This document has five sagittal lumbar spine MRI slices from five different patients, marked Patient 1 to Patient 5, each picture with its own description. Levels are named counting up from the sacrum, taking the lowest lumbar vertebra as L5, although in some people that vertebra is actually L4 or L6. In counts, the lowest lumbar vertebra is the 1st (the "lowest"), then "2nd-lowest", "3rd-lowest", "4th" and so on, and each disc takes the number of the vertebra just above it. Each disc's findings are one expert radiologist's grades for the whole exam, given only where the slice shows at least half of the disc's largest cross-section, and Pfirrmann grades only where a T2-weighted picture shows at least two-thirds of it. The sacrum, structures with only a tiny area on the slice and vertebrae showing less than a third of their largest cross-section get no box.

Patient 1 of 5:
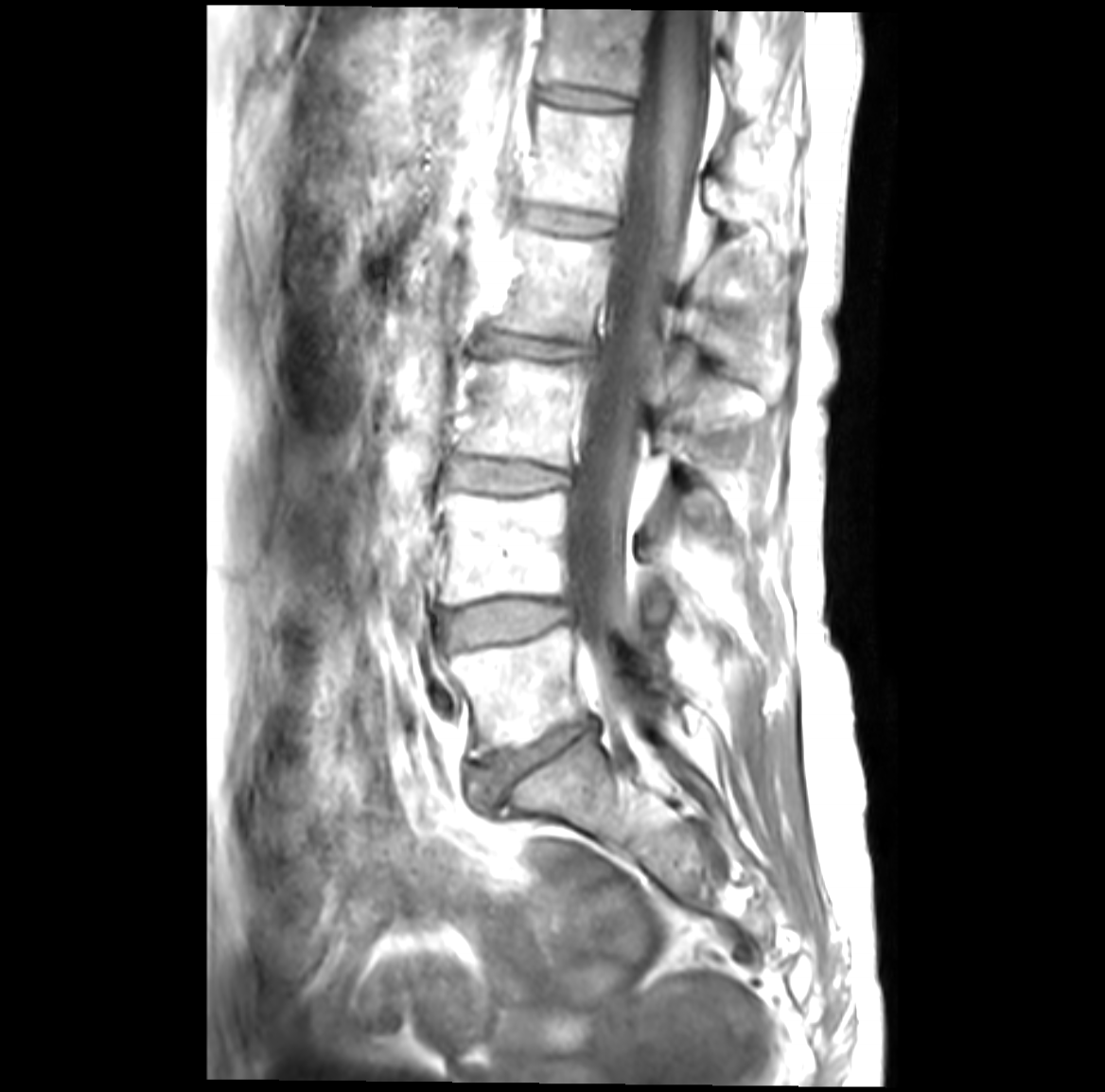
Lumbar spine MR, T1-weighted, sagittal
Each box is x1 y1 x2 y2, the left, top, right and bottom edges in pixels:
Lowest disc: 471 721 595 801.
4th vertebra: 496 228 787 399.
3rd-lowest disc: 451 459 566 492.
6th disc: 538 87 629 115.
5th disc: 520 205 612 235.
3rd-lowest vertebra: 463 360 745 488.
2nd-lowest vertebra: 439 492 665 604.
Lowest vertebra: 447 626 666 758.
6th vertebra: 538 9 745 113.
Spinal canal: 568 10 710 717.
4th disc: 481 331 592 359.
2nd-lowest disc: 443 600 570 647.
5th vertebra: 526 104 802 251.

Degenerative findings by level:
• 2nd-lowest disc: Modic type II, disc bulging
• 3rd-lowest disc: Modic type II, disc bulging
• lowest disc: disc bulging, Modic type II, disc narrowing
• 4th disc: disc bulging, Modic type II, disc narrowing
• 5th disc, 6th disc: no herniation, bulging, narrowing, spondylolisthesis, endplate or Modic change recorded

Patient 2 of 5:
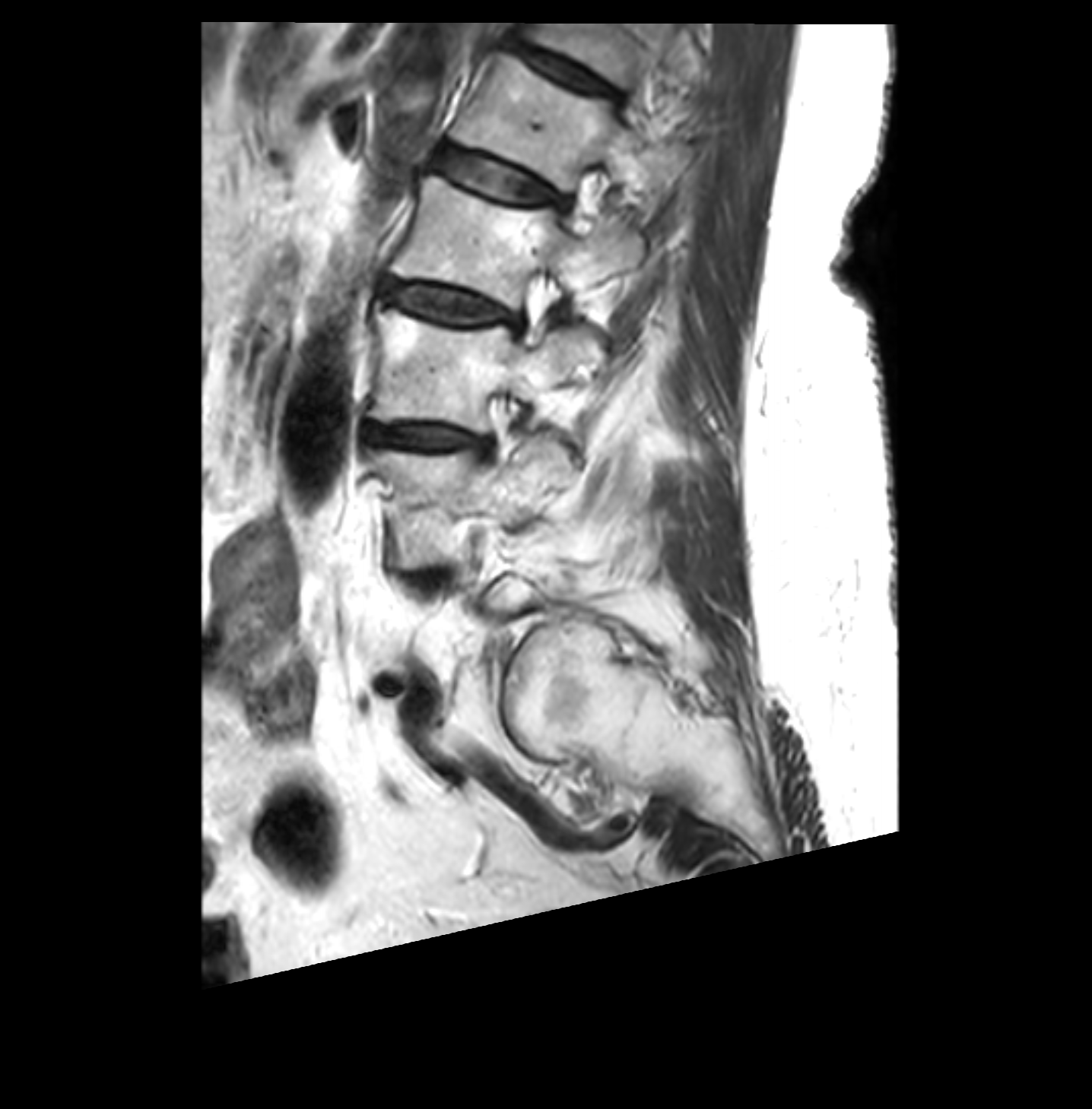
Patient sex: F. Field of view 283x287 mm. Sagittal T2-weighted lumbar spine MRI.
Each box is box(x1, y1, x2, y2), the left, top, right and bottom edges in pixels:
Annotations:
* 6th vertebra at box(522, 21, 652, 85)
* 6th disc at box(515, 43, 614, 95)
* 2nd-lowest vertebra at box(368, 435, 571, 566)
* 5th disc at box(437, 147, 563, 204)
* 5th vertebra at box(452, 52, 693, 191)
* 4th disc at box(385, 279, 522, 329)
* 3rd-lowest vertebra at box(370, 306, 609, 432)
* 4th vertebra at box(389, 175, 642, 309)
* 3rd-lowest disc at box(364, 423, 494, 454)

Expert MSK radiologist gradings (per disc):
• 3rd-lowest disc: Pfirrmann grade 3, disc bulging, disc narrowing, Modic type II
• 5th disc: Pfirrmann grade 2, Modic type II
• 4th disc: Pfirrmann grade 3, disc bulging, Modic type II
• 6th disc: Pfirrmann grade 3, disc bulging

Patient 3 of 5:
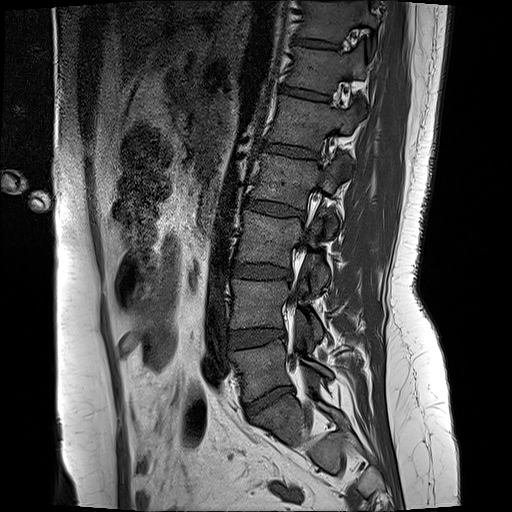 Sex F | Lumbar spine MR, T1-weighted, sagittal | Field of view 300x300 mm, slice spacing 3.3 mm
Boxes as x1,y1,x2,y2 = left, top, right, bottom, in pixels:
L5: 233,340,332,399
L2/L3: 244,199,304,218
intervertebral disc L1/L2: 262,145,318,160
T11/T12: 295,41,339,50
L4/L5: 230,330,285,347
L1: 268,96,365,149
L4: 232,281,323,339
intervertebral disc T12/L1: 283,87,329,104
L5/S1: 246,388,292,416
intervertebral disc L3/L4: 231,263,285,278
L3 vertebra: 236,211,329,291
L2: 251,154,351,209
T12 vertebra: 288,49,366,93
T11: 301,2,377,42

Radiological gradings:
• L2/L3: lower-endplate change, upper-endplate change, disc bulging
• L3/L4: disc bulging
• L4/L5: disc bulging
• L5/S1: disc bulging, disc herniation, disc narrowing
• L1/L2: upper-endplate change, lower-endplate change
• T12/L1: upper-endplate change, lower-endplate change
• T11/T12: no Modic or endplate change, herniation, narrowing, bulging or spondylolisthesis recorded

Patient 4 of 5:
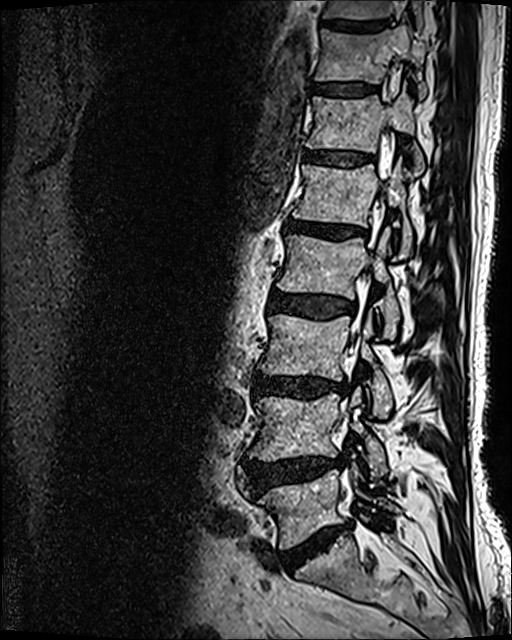

Sex M, Lumbar spine MR, T2 SPACE (3D), sagittal, Image 512x640

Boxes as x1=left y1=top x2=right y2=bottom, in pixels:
{"L4 (2nd-lowest vertebra)": "x1=248 y1=393 x2=387 y2=478", "intervertebral disc L2/L3 (4th disc)": "x1=269 y1=289 x2=356 y2=319", "L4/L5 (2nd-lowest disc)": "x1=245 y1=455 x2=344 y2=488", "T12 (6th vertebra)": "x1=306 y1=83 x2=424 y2=175", "intervertebral disc T11/T12 (7th disc)": "x1=314 y1=84 x2=375 y2=96", "intervertebral disc L5/S1 (lowest disc)": "x1=283 y1=525 x2=350 y2=571", "L3 (3rd-lowest vertebra)": "x1=257 y1=311 x2=392 y2=418", "intervertebral disc L3/L4 (3rd-lowest disc)": "x1=253 y1=376 x2=347 y2=398", "L2 (4th vertebra)": "x1=276 y1=229 x2=399 y2=338", "L5 (lowest vertebra)": "x1=258 y1=464 x2=399 y2=548", "intervertebral disc T12/L1 (6th disc)": "x1=304 y1=151 x2=373 y2=165", "T11 (7th vertebra)": "x1=316 y1=18 x2=426 y2=98", "intervertebral disc L1/L2 (5th disc)": "x1=287 y1=219 x2=366 y2=238", "T10 (8th vertebra)": "x1=323 y1=0 x2=425 y2=31", "L1 (5th vertebra)": "x1=293 y1=157 x2=412 y2=257", "intervertebral disc T10/T11 (8th disc)": "x1=322 y1=20 x2=387 y2=30"}

Expert MSK radiologist gradings (per disc):
• L2/L3 (4th disc): Pfirrmann grade 3, disc bulging
• T12/L1 (6th disc): Pfirrmann grade 3
• L1/L2 (5th disc): Pfirrmann grade 4, upper-endplate change, disc narrowing, disc bulging, lower-endplate change, Modic type II
• T11/T12 (7th disc): Pfirrmann grade 3
• L5/S1 (lowest disc): Modic type II, lower-endplate change, disc narrowing, disc bulging
• L3/L4 (3rd-lowest disc): Pfirrmann grade 4, disc narrowing, lower-endplate change, disc bulging, Modic type II
• L4/L5 (2nd-lowest disc): Pfirrmann grade 4, disc herniation, disc bulging

Patient 5 of 5:
MRI lumbar spine (T2-weighted), sagittal plane. 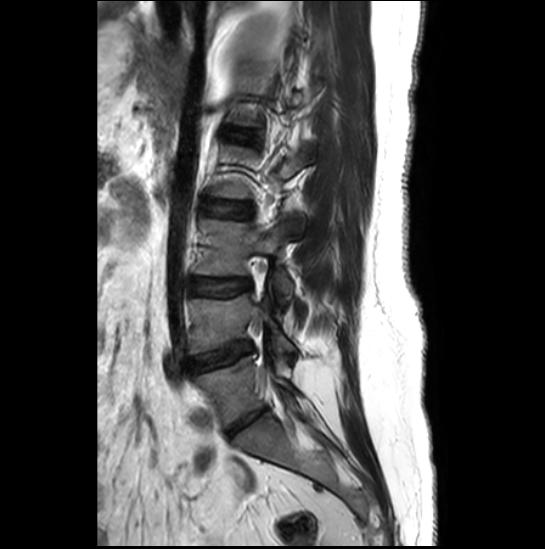 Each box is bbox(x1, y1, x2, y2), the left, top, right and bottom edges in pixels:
Intervertebral disc L5/S1 — bbox(227, 409, 267, 435).
L1/L2 — bbox(224, 126, 251, 143).
Intervertebral disc L2/L3 — bbox(204, 202, 251, 218).
L3/L4 — bbox(190, 278, 251, 296).
Intervertebral disc L4/L5 — bbox(190, 342, 252, 371).
L4 vertebra — bbox(190, 294, 295, 353).
L5 — bbox(196, 357, 298, 427).
L3 — bbox(195, 219, 292, 304).

Expert MSK radiologist gradings (per disc):
• L4/L5: Pfirrmann grade 1, upper-endplate change, lower-endplate change, disc narrowing, Modic type II, disc herniation
• L3/L4: Pfirrmann grade 2
• L2/L3: no spondylolisthesis, narrowing, bulging, herniation, Modic or endplate change recorded